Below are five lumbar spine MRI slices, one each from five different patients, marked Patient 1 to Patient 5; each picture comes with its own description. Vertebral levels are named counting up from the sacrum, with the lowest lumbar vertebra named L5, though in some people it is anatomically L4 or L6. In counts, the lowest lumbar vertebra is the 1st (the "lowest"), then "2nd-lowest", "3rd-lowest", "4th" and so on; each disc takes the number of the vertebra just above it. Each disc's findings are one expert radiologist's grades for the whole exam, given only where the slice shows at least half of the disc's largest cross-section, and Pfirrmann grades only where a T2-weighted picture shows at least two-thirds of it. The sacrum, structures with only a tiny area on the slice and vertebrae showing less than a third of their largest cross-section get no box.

Patient 1 of 5:
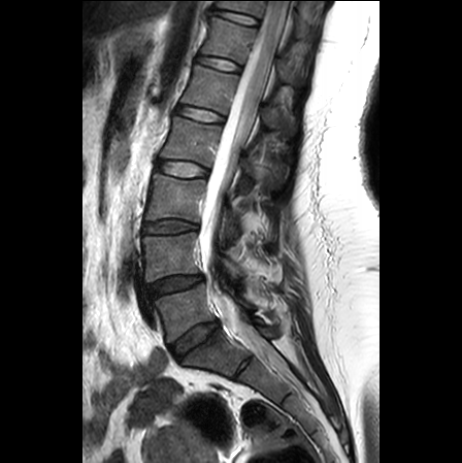 Sagittal T2-weighted lumbar spine MRI
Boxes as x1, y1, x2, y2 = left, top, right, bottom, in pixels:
Spinal canal at 199, 1, 288, 370; L1 at 182, 65, 292, 128; IVD L5/S1 at 171, 321, 219, 360; L3 vertebra at 145, 173, 244, 243; L4 at 142, 232, 242, 281; T11/T12 at 216, 9, 258, 25; IVD L2/L3 at 158, 160, 207, 176; IVD T12/L1 at 197, 55, 240, 71; L2 vertebra at 161, 117, 280, 193; T11 at 218, 1, 304, 36; T12 at 202, 16, 290, 81; IVD L1/L2 at 177, 106, 223, 122; L5 at 156, 284, 256, 342; IVD L4/L5 at 147, 275, 202, 297; IVD L3/L4 at 144, 220, 197, 233.

Per-level radiological findings:
  L1/L2: Pfirrmann grade 1
  L2/L3: Pfirrmann grade 1
  T12/L1: Pfirrmann grade 1
  L5/S1: Pfirrmann grade 3, disc narrowing, disc bulging
  L4/L5: Pfirrmann grade 3, disc narrowing, disc bulging
  T11/T12: Pfirrmann grade 1
  L3/L4: Pfirrmann grade 1

Patient 2 of 5:
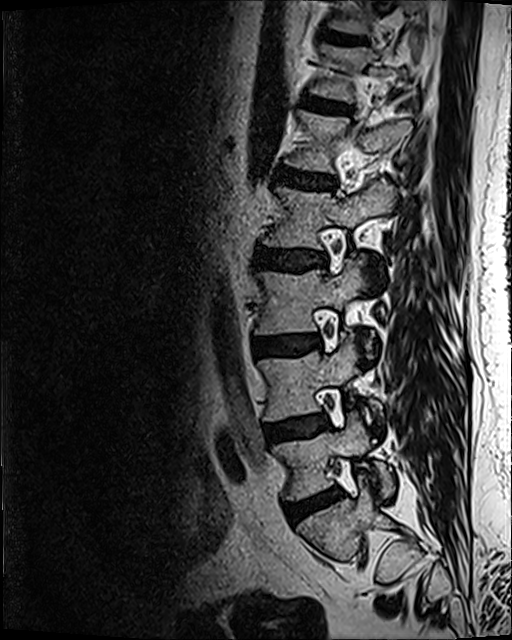 Patient sex: M, MRI lumbar spine (T2 SPACE (3D)), sagittal plane, Image 512x640

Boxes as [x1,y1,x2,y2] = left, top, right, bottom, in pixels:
Intervertebral disc L4/L5 at [264,415,327,444], L2 at [262,179,394,248], intervertebral disc L2/L3 at [259,247,324,271], intervertebral disc L1/L2 at [278,169,334,189], L4 vertebra at [258,336,377,421], L5 at [272,412,394,500], T12/L1 at [302,98,349,112], L1 vertebra at [286,111,411,172], L3 vertebra at [256,258,374,356], L3/L4 at [256,335,319,356], L5/S1 at [285,488,341,525], T11/T12 at [324,31,364,44].

Per-level radiological findings:
• L2/L3: Pfirrmann grade 3, disc bulging
• L5/S1: disc bulging, disc narrowing, Modic type II
• L4/L5: Pfirrmann grade 2, disc bulging, Modic type II
• L3/L4: Pfirrmann grade 2, disc bulging, Modic type II
• L1/L2: disc bulging
• T12/L1: no herniation, bulging, narrowing, spondylolisthesis, endplate or Modic change recorded

Patient 3 of 5:
T2 SPACE (3D) sagittal MRI of the lumbar spine, Patient sex: M

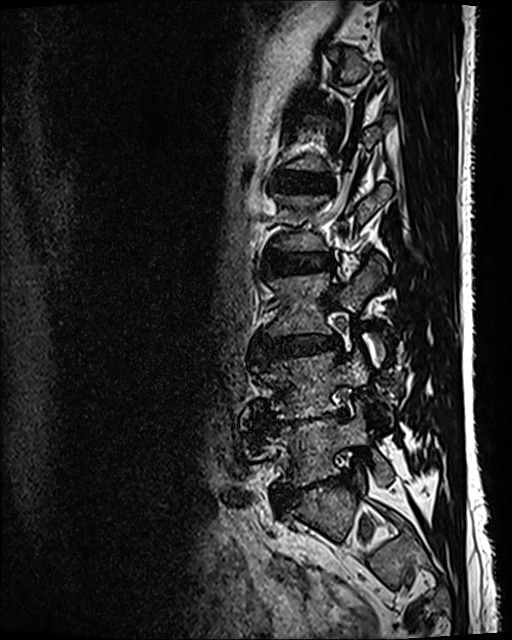

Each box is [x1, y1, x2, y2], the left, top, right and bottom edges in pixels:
intervertebral disc L2/L3 (4th disc) = [267, 253, 333, 274] | L5 (lowest vertebra) = [268, 409, 393, 486] | intervertebral disc L4/L5 (2nd-lowest disc) = [268, 410, 345, 426] | L1/L2 (5th disc) = [276, 173, 333, 190] | intervertebral disc L3/L4 (3rd-lowest disc) = [257, 335, 339, 361] | L4 (2nd-lowest vertebra) = [257, 350, 383, 418] | L5/S1 (lowest disc) = [276, 474, 347, 506] | L3 (3rd-lowest vertebra) = [266, 265, 384, 334]

Expert MSK radiologist gradings (per disc):
- L5/S1 (lowest disc): disc narrowing, disc bulging, spondylolisthesis, lower-endplate change
- L2/L3 (4th disc): Pfirrmann grade 2
- L1/L2 (5th disc): Pfirrmann grade 2
- L3/L4 (3rd-lowest disc): Pfirrmann grade 3, disc bulging, disc narrowing

Patient 4 of 5:
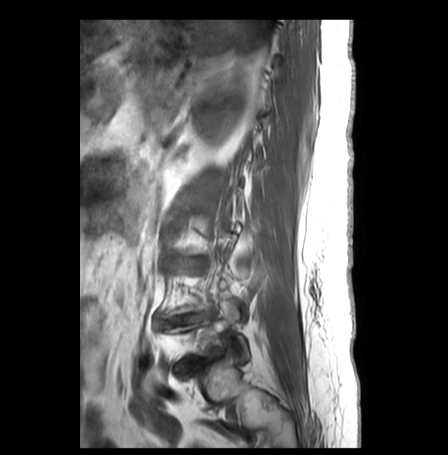 Sagittal T1-weighted lumbar spine MRI; 448x455 px; Slice 25/30; Sex F

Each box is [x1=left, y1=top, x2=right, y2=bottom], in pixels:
disc L5/S1 = [x1=179, y1=354, x2=212, y2=374] | disc L4/L5 = [x1=159, y1=311, x2=212, y2=325] | L3/L4 = [x1=170, y1=258, x2=202, y2=267]

Degenerative findings by level:
  L3/L4: upper-endplate change, Modic type II, lower-endplate change, disc narrowing, disc bulging
  L5/S1: Modic type II, disc bulging, disc narrowing, upper-endplate change, lower-endplate change
  L4/L5: disc herniation, disc narrowing, Modic type II, disc bulging, upper-endplate change, lower-endplate change

Patient 5 of 5:
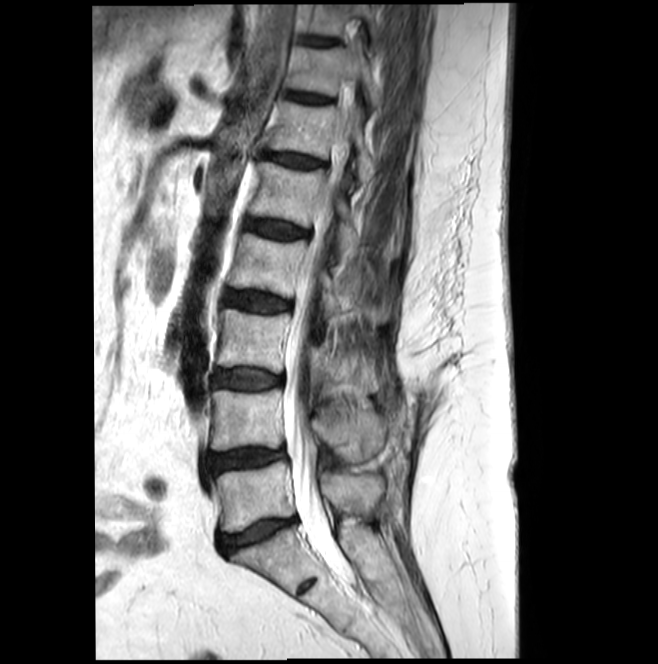 T2-weighted sagittal MRI of the lumbar spine. Sagittal slice index 11.
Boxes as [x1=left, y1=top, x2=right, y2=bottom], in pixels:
T12 at [x1=268, y1=100, x2=377, y2=185], L5 vertebra at [x1=212, y1=461, x2=382, y2=531], disc L3/L4 at [x1=212, y1=369, x2=282, y2=390], L5/S1 at [x1=219, y1=519, x2=295, y2=553], L4 vertebra at [x1=211, y1=389, x2=387, y2=461], thecal sac / spinal canal at [x1=283, y1=80, x2=358, y2=568], T10 at [x1=304, y1=4, x2=376, y2=39], T10/T11 at [x1=302, y1=36, x2=338, y2=45], T11 at [x1=287, y1=43, x2=382, y2=106], L3 at [x1=216, y1=309, x2=381, y2=394], L1/L2 at [x1=243, y1=219, x2=309, y2=238], disc L4/L5 at [x1=206, y1=449, x2=284, y2=473], disc L2/L3 at [x1=225, y1=290, x2=290, y2=311], disc T12/L1 at [x1=264, y1=152, x2=326, y2=168], L1 at [x1=250, y1=162, x2=360, y2=261], T11/T12 at [x1=287, y1=91, x2=332, y2=103], L2 vertebra at [x1=229, y1=233, x2=393, y2=328].

Degenerative findings by level:
- L4/L5: Pfirrmann grade 3, disc narrowing
- L5/S1: Pfirrmann grade 3, disc bulging, Modic type II, disc narrowing
- T12/L1: Pfirrmann grade 3, disc bulging
- L2/L3: Pfirrmann grade 3
- L1/L2: Pfirrmann grade 3
- L3/L4: Pfirrmann grade 3, Modic type II
- T11/T12: no herniation, bulging, narrowing, spondylolisthesis, endplate or Modic change recorded